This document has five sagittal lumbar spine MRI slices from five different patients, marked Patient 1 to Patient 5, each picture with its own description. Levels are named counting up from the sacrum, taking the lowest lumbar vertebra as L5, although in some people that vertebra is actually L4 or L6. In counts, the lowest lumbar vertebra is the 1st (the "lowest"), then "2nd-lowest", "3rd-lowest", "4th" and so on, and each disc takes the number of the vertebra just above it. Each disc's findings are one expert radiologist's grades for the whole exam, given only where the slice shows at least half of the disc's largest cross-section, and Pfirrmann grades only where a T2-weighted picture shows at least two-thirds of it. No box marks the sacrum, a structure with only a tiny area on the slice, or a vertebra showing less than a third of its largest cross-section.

Patient 1 of 5:
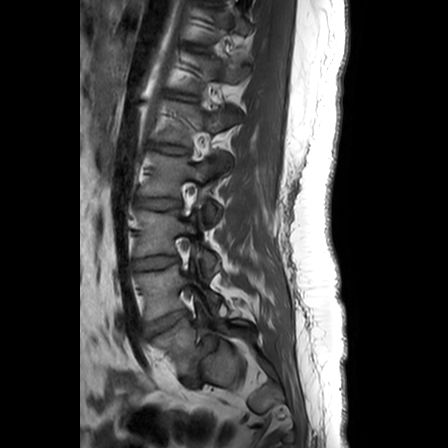

448x448 px, Patient sex: F, Slice 8 of 24, Sagittal T1-weighted lumbar spine MRI

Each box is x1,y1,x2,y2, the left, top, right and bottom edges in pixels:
IVD L3/L4 = 134,256,179,270.
L5/S1 = 190,336,219,376.
L4/L5 = 145,310,188,335.
L4 vertebra = 138,265,220,320.
L3 vertebra = 136,211,219,270.
T12/L1 = 178,95,198,100.
L1 = 158,101,237,168.
L5 = 153,311,250,374.
L2 vertebra = 142,154,216,218.
IVD L1/L2 = 149,143,188,154.
IVD L2/L3 = 136,199,181,209.

Degenerative findings by level:
- L4/L5: disc bulging
- L5/S1: disc narrowing, spondylolisthesis, disc bulging, lower-endplate change
- L2/L3, L1/L2, L3/L4: no Modic or endplate change, herniation, narrowing, bulging or spondylolisthesis recorded

Patient 2 of 5:
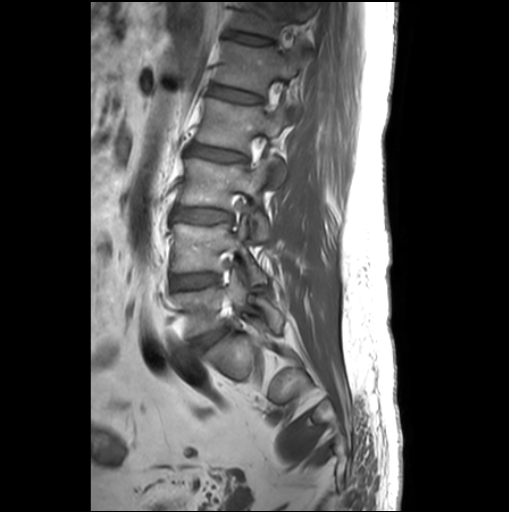

T1-weighted sagittal MRI of the lumbar spine. Field of view 280x282 mm, slice spacing 3.3 mm. Image 509x512. Slice 18/26.
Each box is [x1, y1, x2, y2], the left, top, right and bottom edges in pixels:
Lowest disc at [192, 327, 227, 352], 2nd-lowest vertebra at [171, 216, 267, 283], 3rd-lowest disc at [174, 207, 232, 222], 6th disc at [228, 31, 272, 43], 5th disc at [211, 85, 262, 103], lowest vertebra at [173, 270, 283, 336], 5th vertebra at [217, 41, 307, 93], 4th disc at [188, 144, 247, 160], 4th vertebra at [196, 98, 286, 186], 3rd-lowest vertebra at [181, 155, 275, 240], 2nd-lowest disc at [171, 272, 218, 289], 6th vertebra at [234, 2, 315, 36].

Per-level radiological findings:
• 4th disc: upper-endplate change, disc bulging, lower-endplate change
• 5th disc: upper-endplate change, lower-endplate change
• 3rd-lowest disc, 2nd-lowest disc, 6th disc: no herniation, bulging, narrowing, spondylolisthesis, endplate or Modic change recorded

Patient 3 of 5:
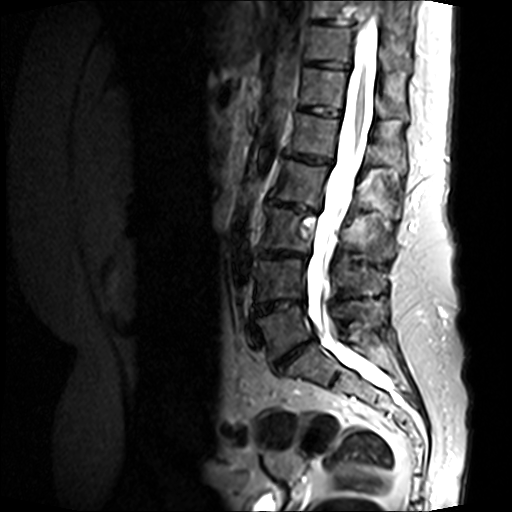 Lumbar spine MR, T2-weighted, sagittal, Slice 7/15
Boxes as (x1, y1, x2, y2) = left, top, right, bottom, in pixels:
L5 vertebra at (256, 301, 386, 359), L2/L3 at (266, 199, 319, 212), spinal canal at (306, 14, 401, 405), T12/L1 at (298, 105, 341, 117), L1/L2 at (282, 150, 332, 166), L5/S1 at (273, 338, 314, 372), T11/T12 at (303, 60, 349, 71), L4 at (254, 259, 385, 301), L1 vertebra at (287, 112, 392, 164), T12 at (300, 67, 409, 120), L3/L4 at (259, 250, 308, 259), IVD L4/L5 at (256, 299, 304, 315), T11 at (304, 26, 409, 72), L2 vertebra at (269, 159, 395, 216), L3 at (262, 205, 392, 263).

Radiological gradings:
• T11/T12: Pfirrmann grade 2
• L1/L2: Pfirrmann grade 4, disc bulging, Modic type II, lower-endplate change, upper-endplate change, disc narrowing
• T12/L1: Pfirrmann grade 3
• L4/L5: Pfirrmann grade 4, disc narrowing, upper-endplate change, disc bulging, Modic type II, lower-endplate change
• L2/L3: Pfirrmann grade 5, disc bulging, upper-endplate change, Modic type II, disc narrowing, lower-endplate change
• L5/S1: Pfirrmann grade 5, disc narrowing, upper-endplate change, disc bulging, Modic type II, lower-endplate change
• L3/L4: Pfirrmann grade 5, Modic type II, upper-endplate change, disc narrowing, lower-endplate change, disc bulging

Patient 4 of 5:
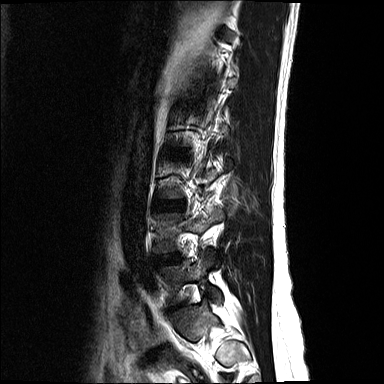
T2-weighted sagittal MRI of the lumbar spine, 384x384 px
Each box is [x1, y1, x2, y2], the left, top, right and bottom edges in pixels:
L5 (lowest vertebra) = [159, 253, 222, 302].
L4 (2nd-lowest vertebra) = [153, 208, 223, 252].
L4/L5 (2nd-lowest disc) = [154, 254, 180, 264].
L3/L4 (3rd-lowest disc) = [155, 200, 181, 210].

Expert MSK radiologist gradings (per disc):
• L3/L4 (3rd-lowest disc): no Modic or endplate change, herniation, narrowing, bulging or spondylolisthesis recorded

Patient 5 of 5:
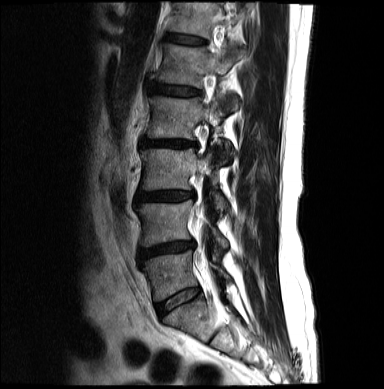

Sagittal T2-weighted lumbar spine MRI
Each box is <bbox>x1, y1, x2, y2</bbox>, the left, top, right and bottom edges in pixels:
L5 at <bbox>143, 251, 230, 301</bbox>, L5/S1 at <bbox>156, 287, 199, 316</bbox>, T12 at <bbox>169, 3, 246, 38</bbox>, L3/L4 at <bbox>136, 191, 194, 204</bbox>, intervertebral disc L4/L5 at <bbox>139, 240, 194, 259</bbox>, intervertebral disc L2/L3 at <bbox>141, 138, 196, 146</bbox>, T12/L1 at <bbox>167, 35, 205, 44</bbox>, L4 at <bbox>137, 201, 227, 249</bbox>, L3 vertebra at <bbox>141, 149, 227, 212</bbox>, L1 vertebra at <bbox>151, 43, 247, 109</bbox>, L2 at <bbox>147, 93, 231, 162</bbox>, intervertebral disc L1/L2 at <bbox>148, 82, 201, 96</bbox>.

Radiological gradings:
- L5/S1: Pfirrmann grade 3
- L1/L2: Pfirrmann grade 3, lower-endplate change, upper-endplate change
- L3/L4: Pfirrmann grade 4, disc bulging
- L4/L5: Pfirrmann grade 4, lower-endplate change, disc narrowing, disc bulging
- L2/L3: Pfirrmann grade 4, Modic type II, disc narrowing, disc bulging, upper-endplate change, lower-endplate change
- T12/L1: Pfirrmann grade 3